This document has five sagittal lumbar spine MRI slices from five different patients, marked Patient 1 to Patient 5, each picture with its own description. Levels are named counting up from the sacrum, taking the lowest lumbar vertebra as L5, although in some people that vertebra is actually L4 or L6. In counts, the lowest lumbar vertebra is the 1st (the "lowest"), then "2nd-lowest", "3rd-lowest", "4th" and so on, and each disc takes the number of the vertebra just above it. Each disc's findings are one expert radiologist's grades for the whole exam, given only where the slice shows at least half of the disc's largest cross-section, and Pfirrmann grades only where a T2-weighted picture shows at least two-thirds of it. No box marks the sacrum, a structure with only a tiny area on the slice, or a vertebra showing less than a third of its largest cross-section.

Patient 1 of 5:
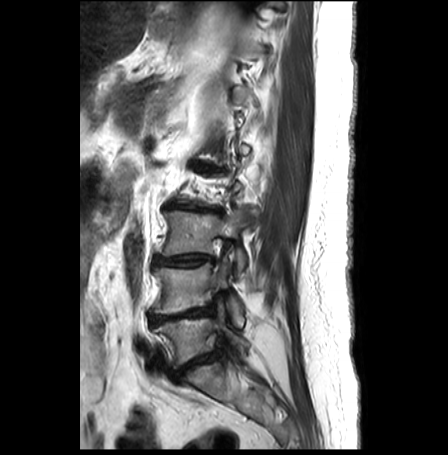 448x455 px; T2-weighted sagittal MRI of the lumbar spine

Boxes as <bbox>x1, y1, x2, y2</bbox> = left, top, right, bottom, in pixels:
{"L5": "<bbox>152, 305, 248, 368</bbox>", "IVD L4/L5": "<bbox>149, 305, 214, 325</bbox>", "L4 vertebra": "<bbox>150, 256, 244, 325</bbox>", "L3": "<bbox>160, 209, 247, 277</bbox>", "IVD L5/S1": "<bbox>170, 350, 221, 381</bbox>", "IVD L3/L4": "<bbox>153, 254, 214, 266</bbox>", "L1/L2": "<bbox>195, 163, 223, 172</bbox>", "IVD L2/L3": "<bbox>167, 204, 223, 213</bbox>"}

Per-level radiological findings:
- L4/L5: Pfirrmann grade 3, Modic type II, disc herniation, disc narrowing, upper-endplate change, disc bulging, lower-endplate change
- L1/L2: Modic type II, disc narrowing, upper-endplate change, disc bulging, lower-endplate change
- L5/S1: Pfirrmann grade 4, disc bulging, lower-endplate change, disc narrowing, Modic type II, upper-endplate change
- L3/L4: Pfirrmann grade 5, disc bulging, Modic type II, lower-endplate change, disc narrowing, upper-endplate change

Patient 2 of 5:
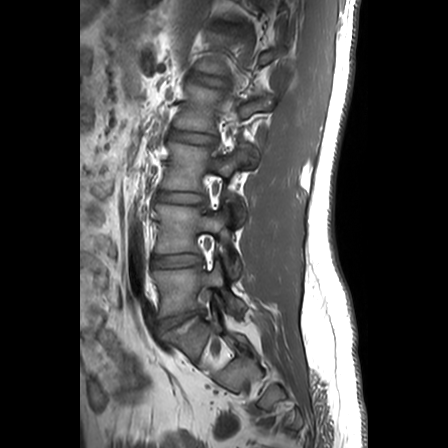 448x448 px, Lumbar spine MR, T1-weighted, sagittal
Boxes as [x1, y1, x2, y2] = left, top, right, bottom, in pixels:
Structures:
* disc L4/L5: [152, 254, 201, 266]
* L2 vertebra: [174, 82, 270, 133]
* L5 vertebra: [152, 262, 241, 317]
* L1: [195, 32, 276, 75]
* L3: [161, 141, 251, 214]
* L4 vertebra: [155, 204, 241, 277]
* L3/L4: [157, 192, 206, 202]
* disc L1/L2: [189, 72, 220, 85]
* L2/L3: [169, 130, 216, 143]
* L5/S1: [160, 312, 198, 329]

Per-level radiological findings:
  L4/L5, L3/L4, L1/L2, L2/L3: no herniation, bulging, narrowing, spondylolisthesis, endplate or Modic change recorded

Patient 3 of 5:
Sagittal slice index 6 | T1-weighted sagittal MRI of the lumbar spine 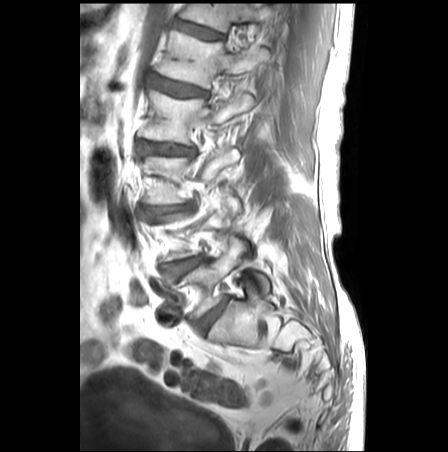
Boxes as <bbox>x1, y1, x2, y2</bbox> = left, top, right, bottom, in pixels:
3rd-lowest disc: <bbox>141, 204, 187, 216</bbox>.
4th vertebra: <bbox>144, 91, 253, 144</bbox>.
2nd-lowest disc: <bbox>164, 256, 203, 281</bbox>.
5th disc: <bbox>149, 73, 206, 96</bbox>.
6th vertebra: <bbox>182, 4, 272, 31</bbox>.
Lowest disc: <bbox>199, 298, 228, 331</bbox>.
Lowest vertebra: <bbox>181, 239, 269, 315</bbox>.
4th disc: <bbox>138, 141, 194, 156</bbox>.
6th disc: <bbox>174, 20, 221, 39</bbox>.
5th vertebra: <bbox>158, 31, 269, 88</bbox>.

Per-level radiological findings:
  4th disc: disc bulging
  2nd-lowest disc: disc bulging
  5th disc: upper-endplate change, Modic type II, lower-endplate change, disc bulging
  6th disc: no Modic or endplate change, herniation, narrowing, bulging or spondylolisthesis recorded

Patient 4 of 5:
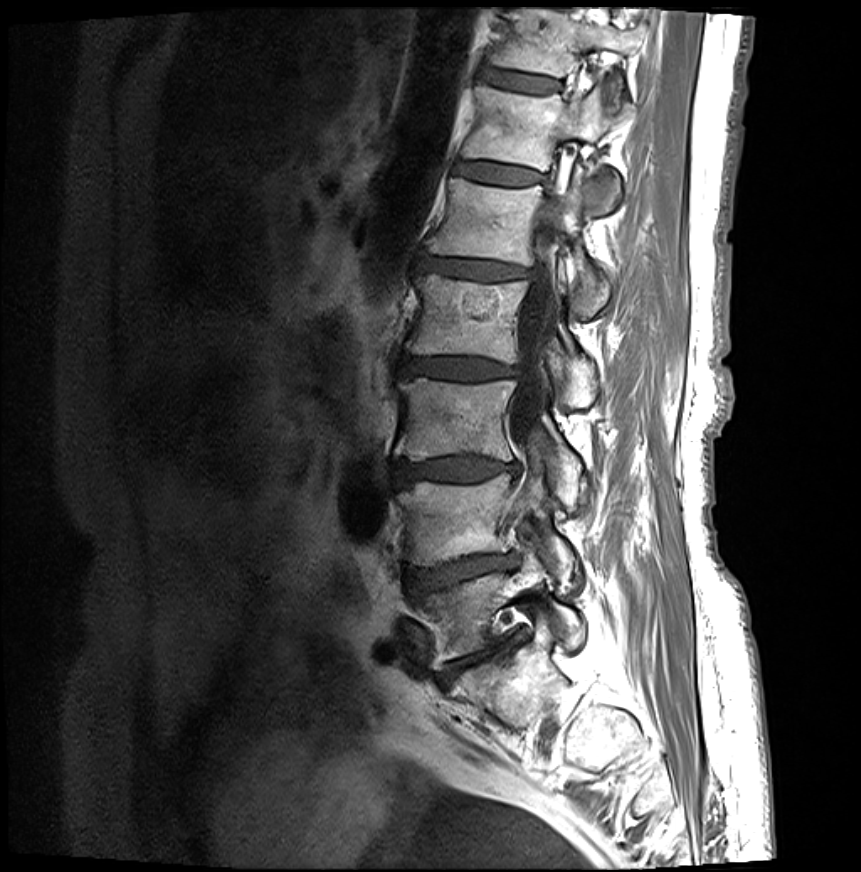 Field of view 300x304 mm, slice spacing 3.3 mm | Lumbar spine MR, T1-weighted, sagittal
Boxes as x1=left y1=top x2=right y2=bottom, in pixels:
L3 (3rd-lowest vertebra): x1=393 y1=378 x2=581 y2=510.
T11 (7th vertebra): x1=488 y1=8 x2=638 y2=104.
L2/L3 (4th disc): x1=398 y1=359 x2=517 y2=380.
L5 (lowest vertebra): x1=417 y1=543 x2=584 y2=670.
L2 (4th vertebra): x1=405 y1=275 x2=598 y2=408.
T12/L1 (6th disc): x1=456 y1=162 x2=535 y2=186.
L1 (5th vertebra): x1=427 y1=171 x2=609 y2=319.
Disc L4/L5 (2nd-lowest disc): x1=407 y1=555 x2=515 y2=594.
Spinal canal: x1=509 y1=136 x2=571 y2=463.
T12 (6th vertebra): x1=462 y1=85 x2=619 y2=213.
Disc T11/T12 (7th disc): x1=479 y1=69 x2=559 y2=93.
L5/S1 (lowest disc): x1=439 y1=638 x2=513 y2=685.
Disc L3/L4 (3rd-lowest disc): x1=393 y1=457 x2=517 y2=482.
Disc L1/L2 (5th disc): x1=419 y1=257 x2=525 y2=281.
L4 (2nd-lowest vertebra): x1=397 y1=473 x2=577 y2=584.

Expert MSK radiologist gradings (per disc):
• L3/L4 (3rd-lowest disc): upper-endplate change, lower-endplate change, Modic type II, disc bulging, disc narrowing
• L1/L2 (5th disc): disc narrowing, upper-endplate change, lower-endplate change, Modic type II, disc bulging
• T11/T12 (7th disc): upper-endplate change, Modic type II, lower-endplate change
• L2/L3 (4th disc): disc narrowing, upper-endplate change, Modic type II, lower-endplate change, disc bulging
• T12/L1 (6th disc): upper-endplate change, lower-endplate change, Modic type II
• L4/L5 (2nd-lowest disc): disc herniation, disc narrowing, disc bulging, Modic type II, lower-endplate change, upper-endplate change

Patient 5 of 5:
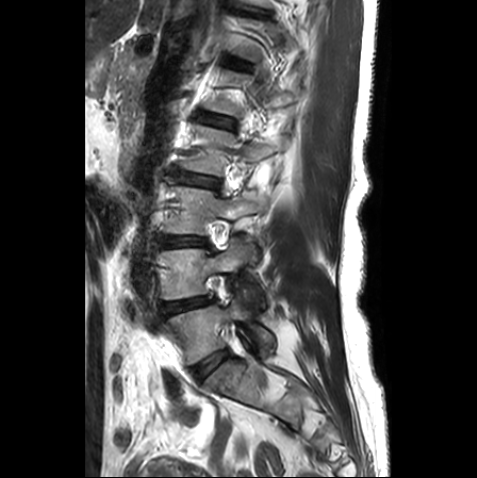

MRI lumbar spine (T2-weighted), sagittal plane | Sagittal slice index 6

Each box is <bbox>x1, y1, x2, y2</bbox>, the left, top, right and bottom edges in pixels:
L4 = <bbox>160, 239, 256, 299</bbox>.
T12/L1 = <bbox>224, 56, 252, 69</bbox>.
L5 vertebra = <bbox>169, 299, 273, 364</bbox>.
Intervertebral disc L2/L3 = <bbox>174, 171, 219, 188</bbox>.
L5/S1 = <bbox>192, 350, 229, 378</bbox>.
L3/L4 = <bbox>161, 236, 207, 246</bbox>.
L2 = <bbox>182, 125, 285, 175</bbox>.
L1/L2 = <bbox>196, 112, 234, 127</bbox>.
Intervertebral disc L4/L5 = <bbox>163, 297, 208, 313</bbox>.
L3 vertebra = <bbox>165, 187, 265, 234</bbox>.

Radiological gradings:
- L3/L4: Pfirrmann grade 2, disc narrowing, disc bulging
- T12/L1: upper-endplate change, lower-endplate change
- L4/L5: upper-endplate change, disc bulging, disc narrowing, lower-endplate change
- L1/L2: lower-endplate change, upper-endplate change
- L2/L3: Pfirrmann grade 2, upper-endplate change, disc bulging, lower-endplate change
- L5/S1: no Modic or endplate change, herniation, narrowing, bulging or spondylolisthesis recorded